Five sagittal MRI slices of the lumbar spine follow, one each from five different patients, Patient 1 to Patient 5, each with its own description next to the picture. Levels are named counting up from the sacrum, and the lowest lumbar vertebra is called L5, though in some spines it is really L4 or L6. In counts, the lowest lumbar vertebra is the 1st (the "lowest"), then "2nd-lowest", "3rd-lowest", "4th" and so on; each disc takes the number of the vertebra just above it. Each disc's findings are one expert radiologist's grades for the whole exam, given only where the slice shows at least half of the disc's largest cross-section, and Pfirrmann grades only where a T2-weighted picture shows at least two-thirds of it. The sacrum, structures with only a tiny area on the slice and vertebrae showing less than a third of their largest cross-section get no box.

Patient 1 of 5:
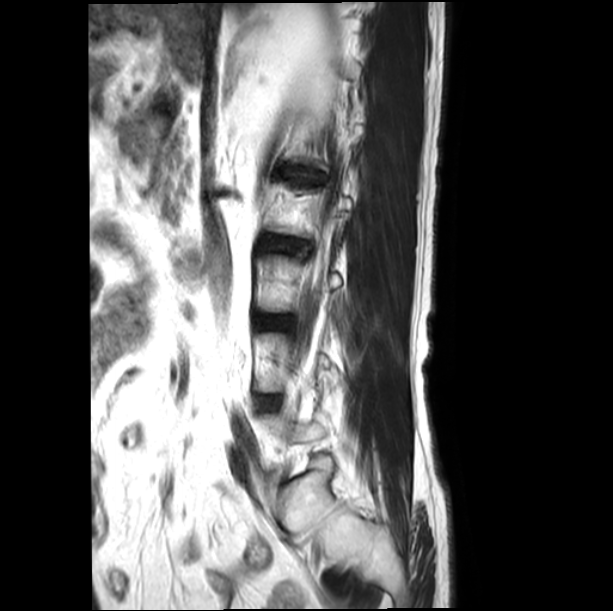
Sagittal T2-weighted lumbar spine MRI.
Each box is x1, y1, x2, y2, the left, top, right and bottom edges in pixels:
Segmented structures:
* 3rd-lowest disc: 263, 317, 277, 325
* 5th disc: 289, 172, 319, 179

Patient 2 of 5:
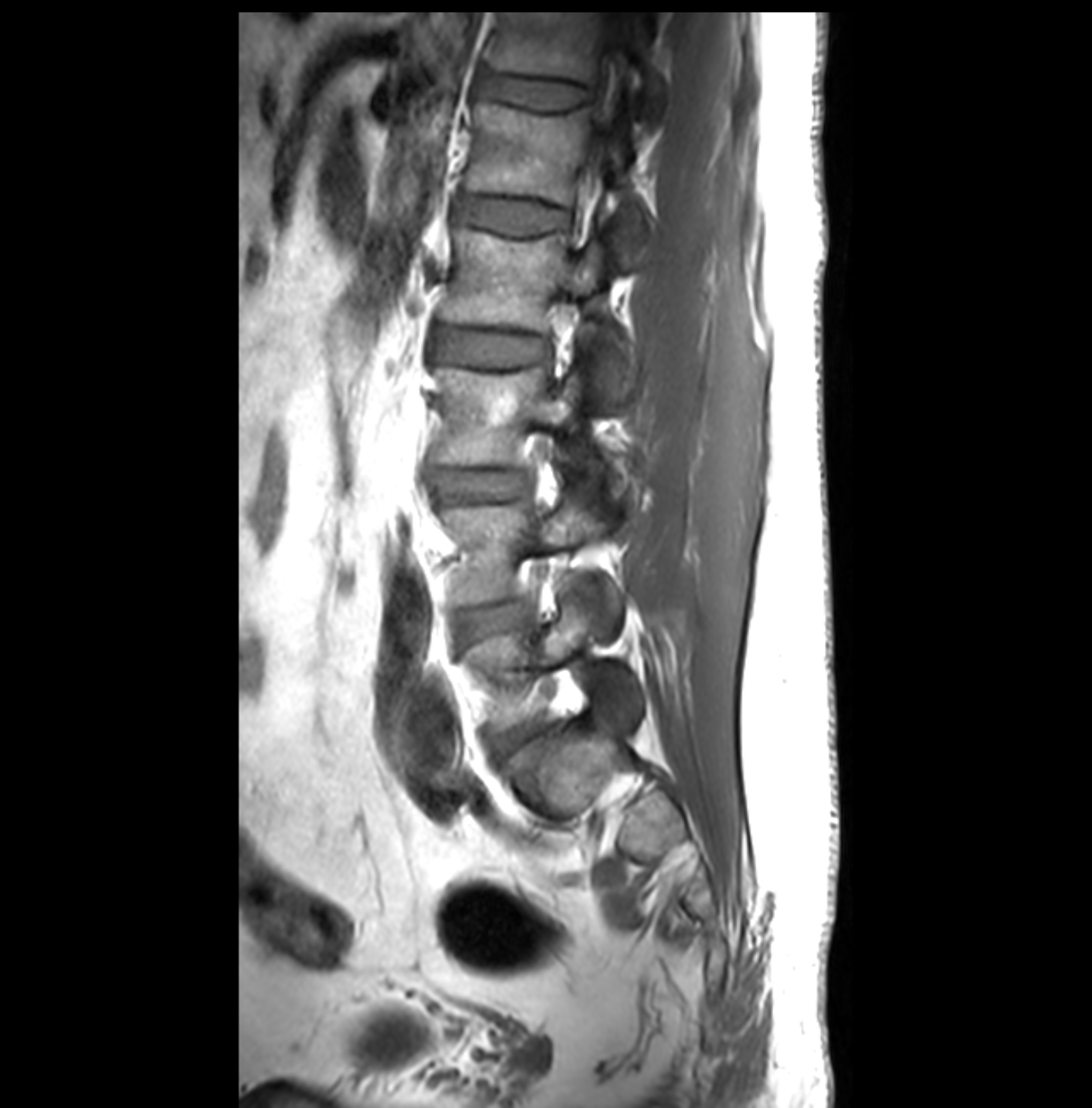 Slice 23 of 32. Lumbar spine MR, T1-weighted, sagittal.

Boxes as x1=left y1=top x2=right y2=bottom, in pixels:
Segmented structures:
- IVD T12/L1 at x1=480 y1=72 x2=589 y2=108
- L4/L5 at x1=452 y1=600 x2=528 y2=639
- L3/L4 at x1=433 y1=471 x2=526 y2=500
- IVD L1/L2 at x1=457 y1=197 x2=569 y2=233
- L4 at x1=440 y1=496 x2=623 y2=635
- L2/L3 at x1=439 y1=330 x2=548 y2=364
- thecal sac / spinal canal at x1=585 y1=12 x2=639 y2=176
- T12 at x1=488 y1=12 x2=663 y2=107
- L5/S1 at x1=490 y1=720 x2=547 y2=760
- L1 vertebra at x1=464 y1=100 x2=651 y2=262
- L5 at x1=463 y1=598 x2=643 y2=733
- L3 vertebra at x1=433 y1=367 x2=581 y2=466
- L2 at x1=440 y1=227 x2=634 y2=398

Degenerative findings by level:
• L3/L4, L1/L2, T12/L1, L2/L3: no spondylolisthesis, narrowing, bulging, herniation, Modic or endplate change recorded

Patient 3 of 5:
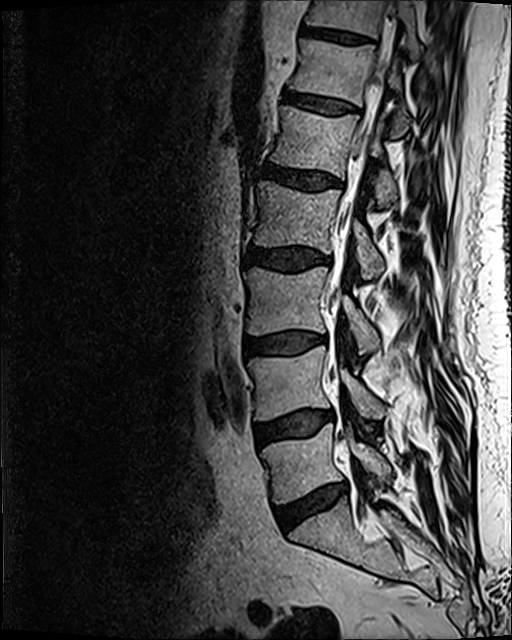
T2 SPACE (3D) sagittal MRI of the lumbar spine. Slice 72 of 120. Patient sex: M.
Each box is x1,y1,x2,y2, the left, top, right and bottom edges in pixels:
L2 (4th vertebra): 255,181,383,279
L4 (2nd-lowest vertebra): 248,346,383,420
L2/L3 (4th disc): 247,246,331,271
IVD T12/L1 (6th disc): 284,92,356,114
L3/L4 (3rd-lowest disc): 246,332,322,355
IVD L4/L5 (2nd-lowest disc): 255,412,332,446
T11 (7th vertebra): 306,0,417,44
T12 (6th vertebra): 290,39,409,136
IVD T11/T12 (7th disc): 300,23,374,44
thecal sac / spinal canal: 330,14,399,382
IVD L1/L2 (5th disc): 261,162,340,191
L5 (lowest vertebra): 260,423,391,503
L1 (5th vertebra): 271,106,396,207
L3 (3rd-lowest vertebra): 244,266,379,353
IVD L5/S1 (lowest disc): 275,485,346,531

Expert MSK radiologist gradings (per disc):
- T12/L1 (6th disc): Pfirrmann grade 2
- L4/L5 (2nd-lowest disc): Pfirrmann grade 2, disc bulging, Modic type II
- L2/L3 (4th disc): Pfirrmann grade 3, disc bulging
- L3/L4 (3rd-lowest disc): Pfirrmann grade 2, Modic type II, disc bulging
- L5/S1 (lowest disc): Pfirrmann grade 3, disc narrowing, Modic type II, disc bulging
- L1/L2 (5th disc): Pfirrmann grade 3, disc bulging
- T11/T12 (7th disc): Pfirrmann grade 3

Patient 4 of 5:
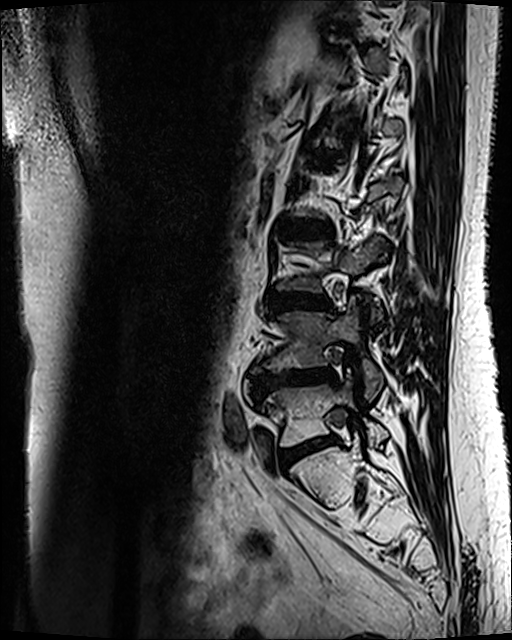
Slice 43 of 120. MRI lumbar spine (T2 SPACE (3D)), sagittal plane.

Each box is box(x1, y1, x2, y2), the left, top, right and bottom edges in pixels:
L1/L2: box(317, 155, 330, 159).
L5 vertebra: box(263, 378, 387, 446).
L5/S1: box(278, 437, 337, 469).
IVD L2/L3: box(282, 221, 330, 237).
L3/L4: box(271, 295, 331, 309).
L4/L5: box(252, 368, 335, 395).
L4 vertebra: box(252, 297, 382, 400).

Degenerative findings by level:
• L3/L4: Pfirrmann grade 3, disc bulging, Modic type II
• L2/L3: Modic type II, disc bulging
• L4/L5: Pfirrmann grade 4, disc narrowing, disc bulging, lower-endplate change, Modic type II, upper-endplate change

Patient 5 of 5:
Lumbar spine MR, T2-weighted, sagittal; Slice 8 of 24

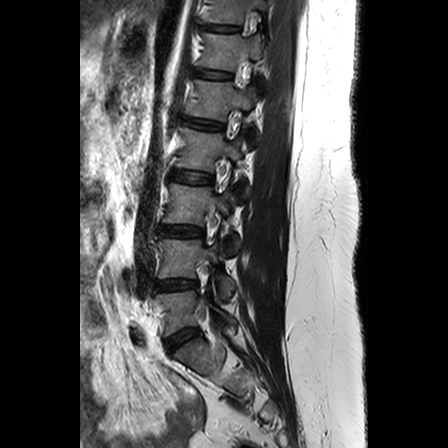
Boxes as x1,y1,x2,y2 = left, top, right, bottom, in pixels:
L4 vertebra: 158,239,234,297
L5: 156,285,237,335
T12 vertebra: 199,33,262,70
L2 vertebra: 176,127,249,202
T12/L1: 196,70,230,78
L4/L5: 155,280,197,290
L1: 186,80,258,148
IVD T11/T12: 202,24,239,32
IVD L5/S1: 165,329,198,352
T11: 203,0,267,23
L3/L4: 159,225,203,236
L3: 163,184,239,254
IVD L1/L2: 180,119,223,130
L2/L3: 170,170,212,183

Degenerative findings by level:
- L4/L5: disc narrowing
- L3/L4: Pfirrmann grade 3, upper-endplate change
- T11/T12: Pfirrmann grade 2
- T12/L1: Pfirrmann grade 2
- L1/L2: Pfirrmann grade 3, Modic type II, upper-endplate change, disc bulging
- L2/L3: Pfirrmann grade 2
- L5/S1: no Modic or endplate change, herniation, narrowing, bulging or spondylolisthesis recorded